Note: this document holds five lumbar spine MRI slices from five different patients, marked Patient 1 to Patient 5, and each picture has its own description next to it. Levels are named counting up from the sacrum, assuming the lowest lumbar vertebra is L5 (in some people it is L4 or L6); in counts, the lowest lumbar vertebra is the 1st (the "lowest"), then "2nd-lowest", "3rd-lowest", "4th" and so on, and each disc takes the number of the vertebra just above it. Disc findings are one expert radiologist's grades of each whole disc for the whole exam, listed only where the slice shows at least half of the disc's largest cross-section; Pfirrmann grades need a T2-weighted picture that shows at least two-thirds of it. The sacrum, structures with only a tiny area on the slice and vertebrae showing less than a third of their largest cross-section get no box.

Patient 1 of 5:
Patient sex: M | Lumbar spine MR, T2-weighted, sagittal | Slice 4 of 16 | 439x441 px | Field of view 280x281 mm, slice spacing 4.4 mm

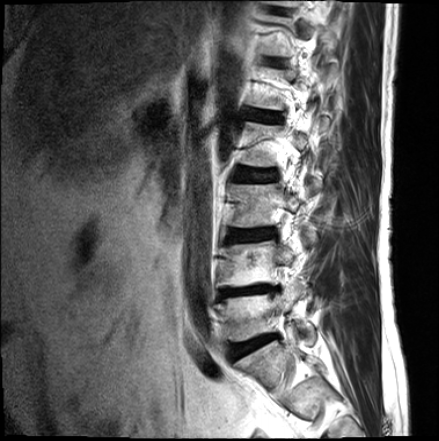
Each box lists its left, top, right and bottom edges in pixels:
L1/L2 (5th disc): left=250, top=111, right=278, bottom=120.
L2/L3 (4th disc): left=235, top=168, right=274, bottom=180.
Disc L3/L4 (3rd-lowest disc): left=229, top=229, right=275, bottom=241.
L4 (2nd-lowest vertebra): left=219, top=241, right=294, bottom=286.
L3 (3rd-lowest vertebra): left=232, top=184, right=318, bottom=227.
Disc L4/L5 (2nd-lowest disc): left=221, top=285, right=276, bottom=296.
L5 (lowest vertebra): left=215, top=282, right=315, bottom=344.
L5/S1 (lowest disc): left=231, top=334, right=275, bottom=359.

Degenerative findings by level:
  L4/L5 (2nd-lowest disc): lower-endplate change, upper-endplate change, Modic type II, disc bulging, disc narrowing
  L5/S1 (lowest disc): Pfirrmann grade 4, lower-endplate change, upper-endplate change, disc narrowing, disc bulging, Modic type II
  L3/L4 (3rd-lowest disc): lower-endplate change, disc bulging, upper-endplate change

Patient 2 of 5:
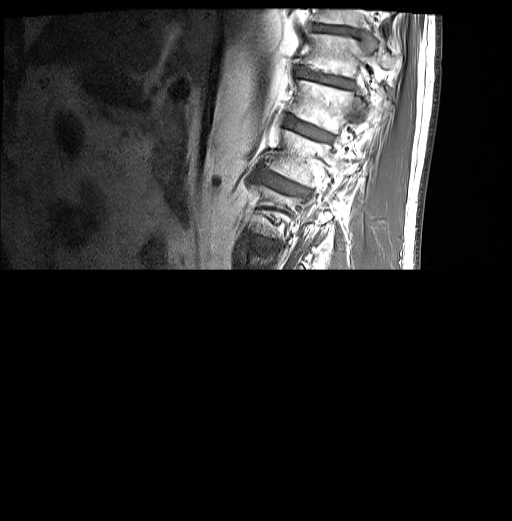

Lumbar spine MR, T1-weighted, sagittal
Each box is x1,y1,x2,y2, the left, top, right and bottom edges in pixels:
5th disc: 256,170,306,195.
6th disc: 285,116,331,141.
7th vertebra: 304,34,401,77.
5th vertebra: 267,129,359,185.
7th disc: 298,67,351,87.
8th disc: 314,26,354,33.
6th vertebra: 290,79,384,132.

Radiological gradings:
- 7th disc: disc bulging, upper-endplate change, lower-endplate change
- 6th disc: lower-endplate change, Modic type II, upper-endplate change, disc bulging
- 5th disc: upper-endplate change, disc bulging, lower-endplate change, Modic type II

Patient 3 of 5:
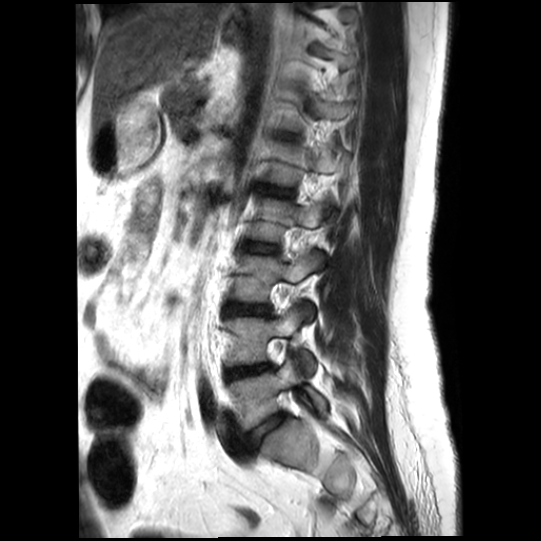

Field of view 310x310 mm, slice spacing 4.4 mm, Slice 15/20, T2-weighted sagittal MRI of the lumbar spine, Patient sex: F
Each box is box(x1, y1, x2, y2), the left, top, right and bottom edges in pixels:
Segmented structures:
* 4th vertebra — box(246, 198, 323, 260)
* lowest disc — box(251, 413, 285, 439)
* 3rd-lowest disc — box(224, 303, 268, 315)
* 3rd-lowest vertebra — box(231, 252, 320, 319)
* 5th vertebra — box(265, 145, 337, 185)
* lowest vertebra — box(230, 358, 325, 429)
* 4th disc — box(243, 242, 277, 252)
* 5th disc — box(264, 188, 292, 196)
* 2nd-lowest vertebra — box(225, 308, 315, 373)
* 2nd-lowest disc — box(227, 364, 272, 379)

Expert MSK radiologist gradings (per disc):
  3rd-lowest disc: upper-endplate change, disc narrowing, lower-endplate change, disc bulging
  2nd-lowest disc: lower-endplate change, disc narrowing, disc bulging, upper-endplate change

Patient 4 of 5:
Sagittal slice index 58 | Slice spacing 0.9 mm | Lumbar spine MR, T2 SPACE (3D), sagittal | 512x640 px
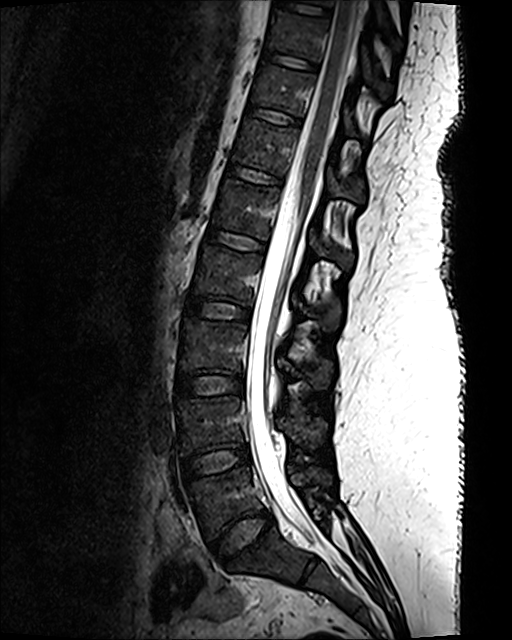
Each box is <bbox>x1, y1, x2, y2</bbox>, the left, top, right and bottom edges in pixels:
T10 vertebra: <bbox>268, 11, 388, 80</bbox>.
L5 vertebra: <bbox>187, 466, 331, 537</bbox>.
L3/L4: <bbox>177, 374, 243, 396</bbox>.
T11 vertebra: <bbox>252, 65, 355, 134</bbox>.
L2/L3: <bbox>186, 298, 250, 319</bbox>.
L3 vertebra: <bbox>180, 317, 332, 389</bbox>.
Disc L4/L5: <bbox>182, 445, 250, 478</bbox>.
Disc T11/T12: <bbox>247, 106, 300, 126</bbox>.
L1 vertebra: <bbox>212, 179, 350, 265</bbox>.
Disc T10/T11: <bbox>264, 51, 317, 69</bbox>.
Spinal canal: <bbox>246, 0, 361, 554</bbox>.
L2 vertebra: <bbox>191, 245, 340, 330</bbox>.
Disc T12/L1: <bbox>228, 165, 282, 185</bbox>.
L5/S1: <bbox>212, 511, 273, 564</bbox>.
L1/L2: <bbox>207, 229, 264, 250</bbox>.
T12: <bbox>233, 119, 364, 203</bbox>.
L4 vertebra: <bbox>177, 396, 323, 453</bbox>.

Degenerative findings by level:
• L4/L5: Pfirrmann grade 1
• T12/L1: Pfirrmann grade 1
• T10/T11: Pfirrmann grade 1
• T11/T12: Pfirrmann grade 1
• L2/L3: Pfirrmann grade 1
• L1/L2: Pfirrmann grade 1
• L5/S1: Pfirrmann grade 1
• L3/L4: Pfirrmann grade 1

Patient 5 of 5:
T1-weighted sagittal MRI of the lumbar spine; Field of view 308x311 mm, slice spacing 4.4 mm

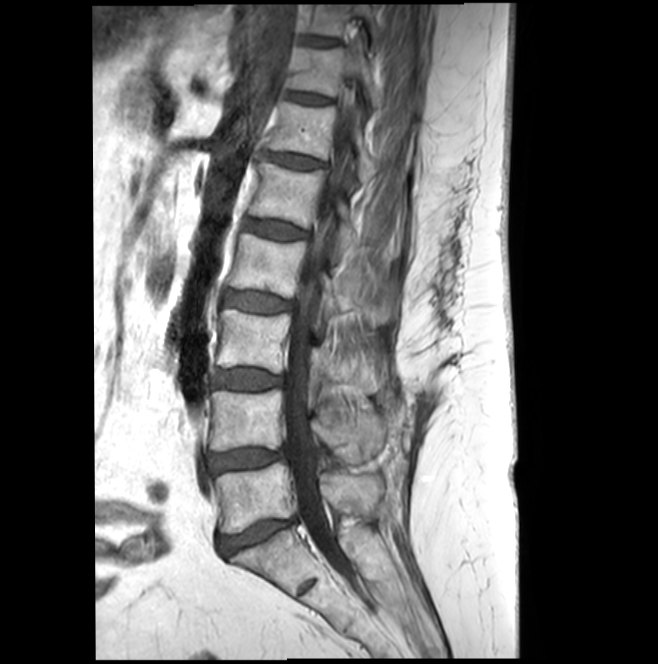 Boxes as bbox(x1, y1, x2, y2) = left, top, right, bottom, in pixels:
Annotations:
• L4/L5: bbox(207, 449, 286, 473)
• thecal sac / spinal canal: bbox(284, 71, 360, 558)
• L3: bbox(216, 309, 386, 393)
• L5 vertebra: bbox(215, 462, 378, 533)
• T11/T12: bbox(287, 92, 331, 105)
• T10/T11: bbox(303, 36, 340, 45)
• T12/L1: bbox(262, 152, 326, 168)
• L4 vertebra: bbox(210, 389, 385, 461)
• L1: bbox(248, 162, 397, 259)
• L2/L3: bbox(224, 290, 291, 311)
• L2 vertebra: bbox(228, 233, 396, 325)
• T10: bbox(303, 4, 380, 42)
• T11 vertebra: bbox(288, 48, 413, 109)
• L3/L4: bbox(212, 369, 282, 390)
• L5/S1: bbox(219, 517, 296, 555)
• intervertebral disc L1/L2: bbox(244, 219, 308, 238)
• T12 vertebra: bbox(268, 101, 377, 185)

Degenerative findings by level:
• L3/L4: Modic type II
• T12/L1: disc bulging
• L4/L5: disc narrowing
• L5/S1: Modic type II, disc narrowing, disc bulging
• T11/T12, L1/L2, L2/L3: no Modic or endplate change, herniation, narrowing, bulging or spondylolisthesis recorded